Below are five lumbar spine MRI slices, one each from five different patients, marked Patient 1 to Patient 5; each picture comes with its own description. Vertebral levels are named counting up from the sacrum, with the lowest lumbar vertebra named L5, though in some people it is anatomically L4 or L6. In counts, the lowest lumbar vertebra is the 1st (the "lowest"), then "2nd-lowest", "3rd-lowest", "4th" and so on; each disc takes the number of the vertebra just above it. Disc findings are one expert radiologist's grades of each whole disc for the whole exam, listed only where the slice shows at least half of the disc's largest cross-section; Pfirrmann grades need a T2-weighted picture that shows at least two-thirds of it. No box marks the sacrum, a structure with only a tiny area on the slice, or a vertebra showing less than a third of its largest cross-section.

Patient 1 of 5:
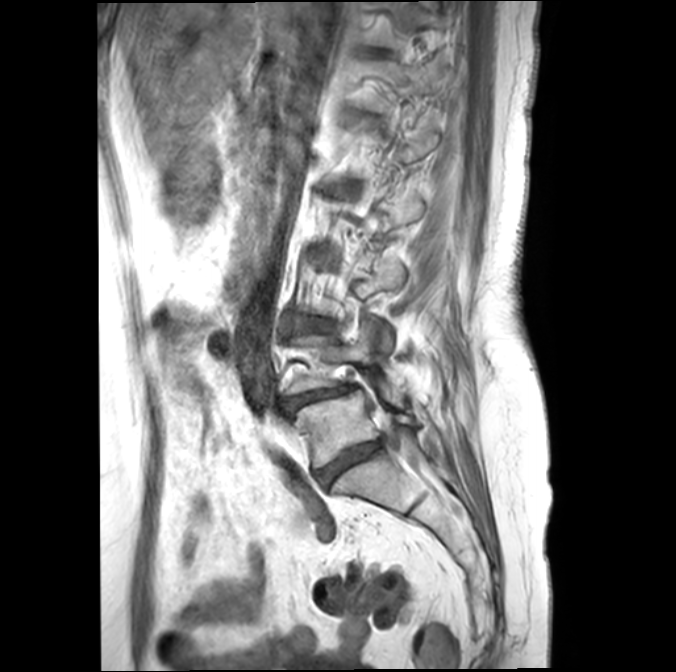 Sagittal T1-weighted lumbar spine MRI, Slice 8 of 21
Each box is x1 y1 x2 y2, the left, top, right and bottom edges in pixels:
L5 (lowest vertebra): 296 389 416 467.
Intervertebral disc L5/S1 (lowest disc): 317 441 381 483.
Intervertebral disc L4/L5 (2nd-lowest disc): 287 386 350 408.
L4 (2nd-lowest vertebra): 287 321 403 405.
L3/L4 (3rd-lowest disc): 300 320 329 329.

Per-level radiological findings:
• L4/L5 (2nd-lowest disc): disc bulging, Modic type II, lower-endplate change, disc narrowing, spondylolisthesis
• L5/S1 (lowest disc): Modic type II, disc bulging, lower-endplate change, disc narrowing

Patient 2 of 5:
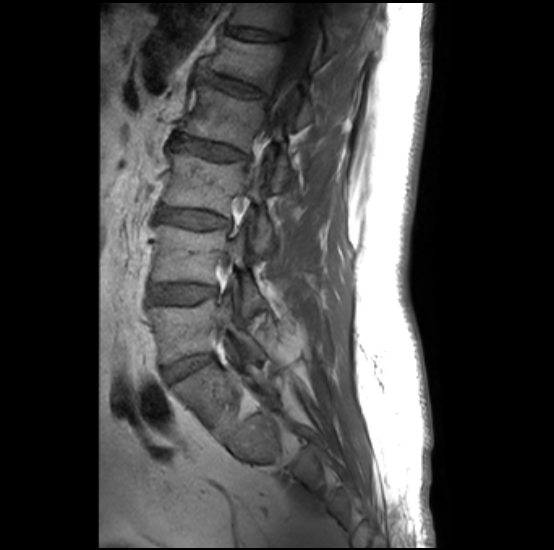 Sagittal T1-weighted lumbar spine MRI
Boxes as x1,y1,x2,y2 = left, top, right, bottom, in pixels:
L3 (3rd-lowest vertebra) at 164,152,273,256 | intervertebral disc L5/S1 (lowest disc) at 165,355,211,383 | spinal canal at 258,2,318,171 | T12/L1 (6th disc) at 227,24,287,41 | L3/L4 (3rd-lowest disc) at 162,208,229,229 | L1/L2 (5th disc) at 206,71,268,97 | L2/L3 (4th disc) at 173,134,247,160 | L1 (5th vertebra) at 209,35,313,126 | T12 (6th vertebra) at 228,3,339,54 | L5 (lowest vertebra) at 149,300,263,363 | L4/L5 (2nd-lowest disc) at 152,285,216,303 | L2 (4th vertebra) at 180,86,289,191 | L4 (2nd-lowest vertebra) at 156,224,263,314

Expert MSK radiologist gradings (per disc):
  L2/L3 (4th disc): upper-endplate change, Modic type II, lower-endplate change
  L4/L5 (2nd-lowest disc): lower-endplate change, Modic type II, upper-endplate change
  T12/L1 (6th disc): spondylolisthesis, upper-endplate change
  L1/L2 (5th disc): upper-endplate change, lower-endplate change, Modic type II
  L3/L4 (3rd-lowest disc): lower-endplate change, upper-endplate change, Modic type II
  L5/S1 (lowest disc): no herniation, bulging, narrowing, spondylolisthesis, endplate or Modic change recorded

Patient 3 of 5:
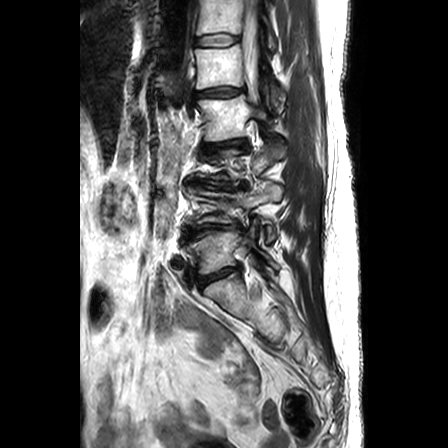 T2-weighted sagittal MRI of the lumbar spine, 448x448 px, Field of view 280x280 mm, slice spacing 3.3 mm
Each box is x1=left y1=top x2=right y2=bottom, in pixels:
intervertebral disc L1/L2 = x1=193 y1=86 x2=245 y2=96 | intervertebral disc L4/L5 = x1=181 y1=222 x2=240 y2=242 | L2 = x1=194 y1=94 x2=265 y2=141 | L5 vertebra = x1=185 y1=223 x2=279 y2=274 | L2/L3 = x1=200 y1=139 x2=248 y2=154 | L1 vertebra = x1=195 y1=44 x2=285 y2=112 | L3/L4 = x1=194 y1=180 x2=246 y2=188 | spinal canal = x1=242 y1=0 x2=258 y2=101 | intervertebral disc L5/S1 = x1=197 y1=267 x2=240 y2=287 | L4 vertebra = x1=183 y1=184 x2=281 y2=243 | T12/L1 = x1=194 y1=34 x2=240 y2=44 | T12 vertebra = x1=196 y1=0 x2=275 y2=52

Per-level radiological findings:
- L4/L5: Pfirrmann grade 5, upper-endplate change, Modic type II, disc narrowing, disc bulging, lower-endplate change
- T12/L1: Pfirrmann grade 1
- L2/L3: Pfirrmann grade 3, upper-endplate change, disc narrowing, lower-endplate change, disc bulging
- L3/L4: disc bulging, upper-endplate change, disc narrowing, lower-endplate change, Modic type II
- L1/L2: Pfirrmann grade 2, disc bulging

Patient 4 of 5:
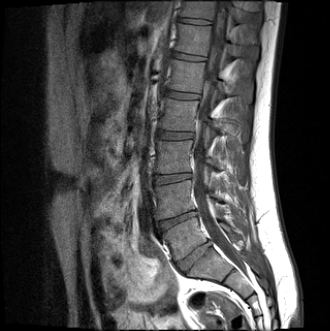 Field of view 300x301 mm, slice spacing 4.2 mm | T1-weighted sagittal MRI of the lumbar spine

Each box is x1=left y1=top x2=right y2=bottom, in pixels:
T12 vertebra: x1=174 y1=24 x2=258 y2=58
intervertebral disc T12/L1: x1=171 y1=52 x2=203 y2=60
T11 vertebra: x1=180 y1=1 x2=246 y2=22
L5: x1=163 y1=217 x2=232 y2=260
L2 vertebra: x1=159 y1=98 x2=229 y2=132
intervertebral disc T11/T12: x1=179 y1=18 x2=210 y2=24
L1/L2: x1=165 y1=90 x2=198 y2=99
spinal canal: x1=194 y1=0 x2=244 y2=269
L3: x1=155 y1=140 x2=224 y2=173
L5/S1: x1=178 y1=242 x2=210 y2=271
L4/L5: x1=159 y1=209 x2=198 y2=231
intervertebral disc L3/L4: x1=154 y1=173 x2=191 y2=184
L4 vertebra: x1=155 y1=180 x2=221 y2=218
intervertebral disc L2/L3: x1=157 y1=130 x2=192 y2=139
L1: x1=167 y1=59 x2=232 y2=95

Degenerative findings by level:
  L5/S1: disc bulging
  L4/L5: disc herniation, lower-endplate change, upper-endplate change, disc narrowing, Modic type II
  L2/L3, T12/L1, L1/L2, T11/T12, L3/L4: no Modic or endplate change, herniation, narrowing, bulging or spondylolisthesis recorded

Patient 5 of 5:
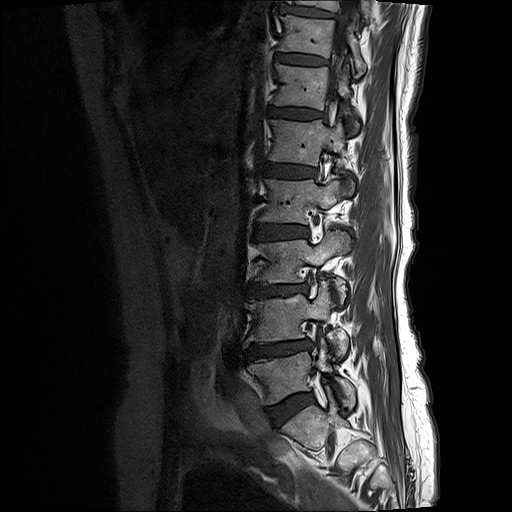 Field of view 300x300 mm, T1-weighted sagittal MRI of the lumbar spine
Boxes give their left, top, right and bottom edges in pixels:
T12/L1 at left=271, top=106, right=321, bottom=118.
Intervertebral disc L3/L4 at left=249, top=283, right=307, bottom=295.
L4 vertebra at left=244, top=282, right=349, bottom=355.
T10 vertebra at left=288, top=0, right=369, bottom=18.
L3 at left=259, top=230, right=351, bottom=300.
Intervertebral disc L1/L2 at left=267, top=164, right=315, bottom=177.
Intervertebral disc T11/T12 at left=277, top=55, right=326, bottom=64.
T12 at left=272, top=64, right=351, bottom=109.
T11 at left=279, top=15, right=366, bottom=75.
Intervertebral disc L5/S1 at left=274, top=393, right=314, bottom=420.
L5 at left=250, top=344, right=356, bottom=409.
L2 vertebra at left=259, top=174, right=354, bottom=223.
Intervertebral disc L2/L3 at left=256, top=223, right=307, bottom=239.
Intervertebral disc L4/L5 at left=247, top=341, right=313, bottom=357.
L1 at left=270, top=118, right=351, bottom=166.
T10/T11 at left=283, top=6, right=333, bottom=16.
Spinal canal at left=332, top=0, right=356, bottom=98.

Per-level radiological findings:
• T10/T11: lower-endplate change, upper-endplate change
• L3/L4: disc bulging, upper-endplate change, disc narrowing, Modic type II, lower-endplate change
• T11/T12: upper-endplate change, Modic type II, lower-endplate change
• L4/L5: disc narrowing, lower-endplate change, upper-endplate change, disc bulging, Modic type II
• L5/S1: disc bulging
• T12/L1: Modic type II, lower-endplate change, upper-endplate change
• L2/L3: Modic type II, lower-endplate change, upper-endplate change, disc bulging
• L1/L2: lower-endplate change, upper-endplate change, Modic type II